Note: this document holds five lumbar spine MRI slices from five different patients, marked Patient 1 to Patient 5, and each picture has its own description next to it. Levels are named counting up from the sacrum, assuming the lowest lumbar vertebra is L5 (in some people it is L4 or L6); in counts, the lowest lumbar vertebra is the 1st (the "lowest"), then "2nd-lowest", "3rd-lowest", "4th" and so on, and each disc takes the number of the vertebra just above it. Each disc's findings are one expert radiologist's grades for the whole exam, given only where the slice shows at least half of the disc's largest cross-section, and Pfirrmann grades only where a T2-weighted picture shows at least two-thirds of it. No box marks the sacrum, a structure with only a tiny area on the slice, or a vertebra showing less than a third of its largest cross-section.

Patient 1 of 5:
Patient sex: F | T2-weighted sagittal MRI of the lumbar spine

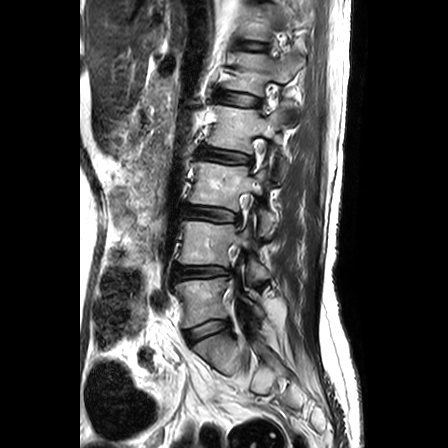 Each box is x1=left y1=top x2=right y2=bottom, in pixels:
5th disc at x1=218 y1=93 x2=259 y2=106, 4th disc at x1=198 y1=149 x2=250 y2=163, 2nd-lowest vertebra at x1=179 y1=221 x2=269 y2=285, 5th vertebra at x1=226 y1=53 x2=305 y2=126, lowest vertebra at x1=175 y1=266 x2=264 y2=327, 6th disc at x1=248 y1=44 x2=261 y2=49, lowest disc at x1=185 y1=320 x2=229 y2=342, 2nd-lowest disc at x1=172 y1=265 x2=232 y2=282, 4th vertebra at x1=207 y1=101 x2=292 y2=182, 3rd-lowest disc at x1=184 y1=207 x2=238 y2=222, 3rd-lowest vertebra at x1=190 y1=162 x2=275 y2=239.

Expert MSK radiologist gradings (per disc):
• 5th disc: Pfirrmann grade 2, Modic type II, upper-endplate change, lower-endplate change
• 3rd-lowest disc: Pfirrmann grade 3, disc bulging, lower-endplate change, upper-endplate change
• 4th disc: Pfirrmann grade 3, upper-endplate change, disc bulging, Modic type II, lower-endplate change
• 2nd-lowest disc: Pfirrmann grade 3, lower-endplate change, disc narrowing, disc herniation, upper-endplate change
• lowest disc: no herniation, bulging, narrowing, spondylolisthesis, endplate or Modic change recorded

Patient 2 of 5:
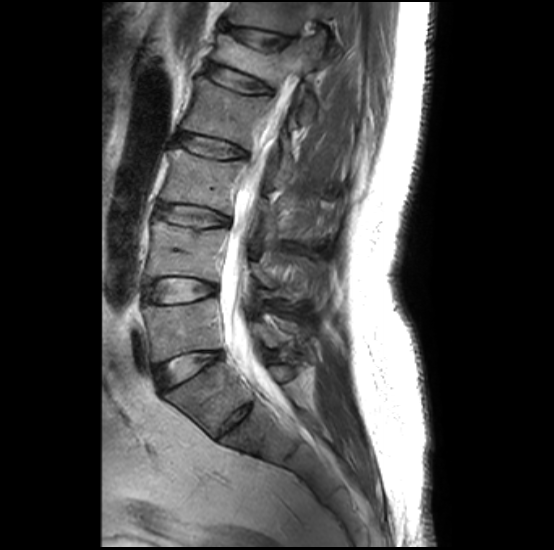 Sagittal T2-weighted lumbar spine MRI, Slice 15/32
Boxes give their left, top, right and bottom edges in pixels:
L3/L4 (3rd-lowest disc) at left=156, top=204, right=229, bottom=226; L5 (lowest vertebra) at left=144, top=298, right=278, bottom=362; L2 (4th vertebra) at left=181, top=77, right=297, bottom=186; L5/S1 (lowest disc) at left=156, top=351, right=221, bottom=390; L3 (3rd-lowest vertebra) at left=160, top=149, right=278, bottom=241; L1 (5th vertebra) at left=214, top=33, right=325, bottom=122; IVD L2/L3 (4th disc) at left=173, top=133, right=245, bottom=158; L4 (2nd-lowest vertebra) at left=146, top=221, right=292, bottom=296; T12 (6th vertebra) at left=228, top=2, right=341, bottom=34; T12/L1 (6th disc) at left=225, top=24, right=292, bottom=43; IVD L4/L5 (2nd-lowest disc) at left=144, top=279, right=216, bottom=302; thecal sac / spinal canal at left=220, top=64, right=300, bottom=401; IVD L1/L2 (5th disc) at left=206, top=63, right=270, bottom=92.

Per-level radiological findings:
  L1/L2 (5th disc): Pfirrmann grade 2, upper-endplate change, Modic type II, lower-endplate change
  L3/L4 (3rd-lowest disc): Pfirrmann grade 2, upper-endplate change, lower-endplate change, Modic type II
  L4/L5 (2nd-lowest disc): Pfirrmann grade 1, upper-endplate change, lower-endplate change, Modic type II
  L2/L3 (4th disc): Pfirrmann grade 2, upper-endplate change, lower-endplate change, Modic type II
  T12/L1 (6th disc): Pfirrmann grade 2, upper-endplate change, spondylolisthesis
  L5/S1 (lowest disc): Pfirrmann grade 1

Patient 3 of 5:
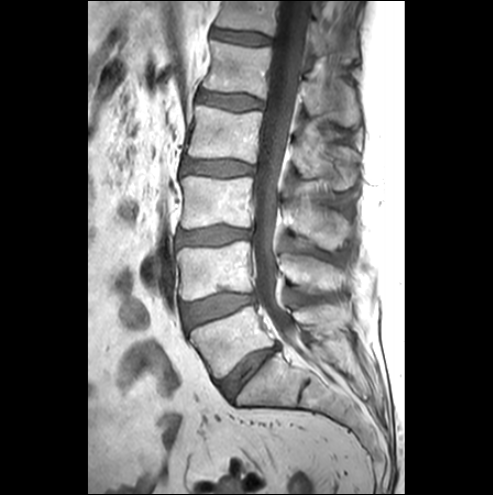 Lumbar spine MR, T1-weighted, sagittal; 493x495 px; Slice 13/25
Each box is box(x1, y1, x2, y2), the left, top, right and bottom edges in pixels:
5th disc — box(198, 90, 262, 109).
Lowest disc — box(218, 347, 276, 397).
Thecal sac / spinal canal — box(252, 1, 307, 353).
2nd-lowest disc — box(185, 293, 254, 326).
4th disc — box(184, 160, 253, 176).
5th vertebra — box(203, 40, 359, 126).
2nd-lowest vertebra — box(177, 241, 343, 299).
3rd-lowest disc — box(178, 226, 249, 244).
6th disc — box(212, 28, 271, 44).
Lowest vertebra — box(190, 306, 342, 377).
3rd-lowest vertebra — box(180, 176, 351, 249).
4th vertebra — box(186, 105, 358, 189).
6th vertebra — box(216, 1, 358, 61).

Expert MSK radiologist gradings (per disc):
- lowest disc: disc bulging, disc narrowing
- 2nd-lowest disc: disc bulging, Modic type III
- 3rd-lowest disc: disc bulging
- 5th disc, 6th disc, 4th disc: no herniation, bulging, narrowing, spondylolisthesis, endplate or Modic change recorded

Patient 4 of 5:
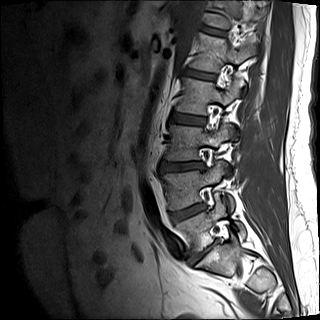 Sagittal T1-weighted lumbar spine MRI, Image 320x320, Slice spacing 4.8 mm
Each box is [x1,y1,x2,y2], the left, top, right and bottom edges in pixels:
L2 at [175,77,239,140], intervertebral disc T12/L1 at [201,26,225,35], T12 vertebra at [206,0,262,29], L4/L5 at [171,204,205,221], L1 at [189,33,256,95], L4 vertebra at [162,162,234,213], L5 vertebra at [177,198,246,253], intervertebral disc L3/L4 at [160,162,204,171], L3 at [164,125,233,175], L2/L3 at [169,113,206,125], L5/S1 at [192,242,215,259], intervertebral disc L1/L2 at [184,69,216,79].

Per-level radiological findings:
  L3/L4: disc bulging
  L1/L2: upper-endplate change
  L5/S1: lower-endplate change, upper-endplate change, disc bulging, disc narrowing, Modic type II
  L4/L5: lower-endplate change, disc bulging, disc narrowing
  T12/L1, L2/L3: no Modic or endplate change, herniation, narrowing, bulging or spondylolisthesis recorded

Patient 5 of 5:
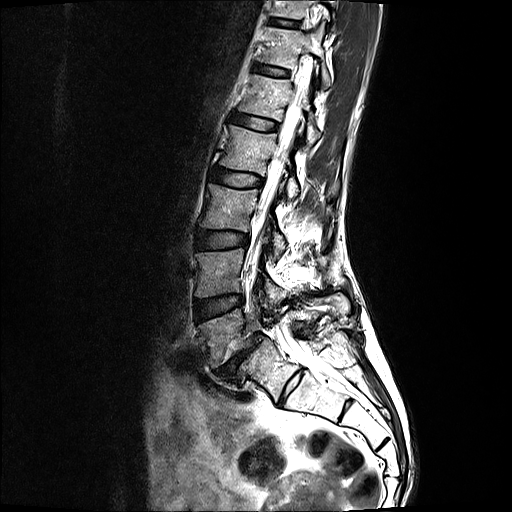 Image 512x512. Lumbar spine MR, T2-weighted, sagittal.
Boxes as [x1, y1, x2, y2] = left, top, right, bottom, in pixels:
L3 at [201, 184, 287, 254].
Thecal sac / spinal canal at [251, 76, 309, 354].
T11 vertebra at [272, 0, 337, 19].
L1 vertebra at [242, 74, 322, 146].
L4/L5 at [195, 294, 245, 321].
L5 at [199, 295, 349, 367].
L2 vertebra at [222, 125, 300, 196].
IVD L5/S1 at [213, 333, 264, 379].
IVD T12/L1 at [255, 64, 288, 76].
L4 vertebra at [197, 248, 288, 308].
IVD T11/T12 at [272, 17, 299, 27].
T12 vertebra at [261, 23, 331, 87].
L3/L4 at [198, 229, 250, 248].
IVD L2/L3 at [212, 167, 263, 187].
IVD L1/L2 at [233, 113, 278, 130].

Radiological gradings:
- L4/L5: Pfirrmann grade 2
- L2/L3: Pfirrmann grade 2
- L3/L4: Pfirrmann grade 2
- L5/S1: disc bulging, spondylolisthesis, Modic type II, disc narrowing
- L1/L2: Pfirrmann grade 2
- T12/L1, T11/T12: no spondylolisthesis, narrowing, bulging, herniation, Modic or endplate change recorded